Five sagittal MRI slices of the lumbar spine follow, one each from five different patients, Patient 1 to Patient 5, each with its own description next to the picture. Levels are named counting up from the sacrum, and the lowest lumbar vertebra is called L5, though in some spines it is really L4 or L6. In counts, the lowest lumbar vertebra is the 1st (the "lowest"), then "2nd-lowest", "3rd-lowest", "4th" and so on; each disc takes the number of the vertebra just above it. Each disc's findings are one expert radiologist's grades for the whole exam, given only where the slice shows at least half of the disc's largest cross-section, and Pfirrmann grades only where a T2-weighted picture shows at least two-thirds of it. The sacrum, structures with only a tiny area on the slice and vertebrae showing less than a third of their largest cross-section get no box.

Patient 1 of 5:
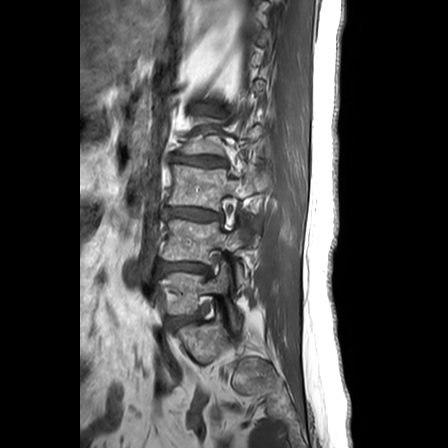 Lumbar spine MR, T1-weighted, sagittal
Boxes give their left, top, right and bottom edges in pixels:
* L1/L2: left=199, top=106, right=215, bottom=113
* L5/S1: left=169, top=312, right=200, bottom=328
* intervertebral disc L3/L4: left=166, top=207, right=222, bottom=221
* L4 vertebra: left=163, top=220, right=247, bottom=283
* intervertebral disc L4/L5: left=160, top=262, right=209, bottom=272
* intervertebral disc L2/L3: left=171, top=154, right=226, bottom=166
* L5: left=162, top=262, right=239, bottom=323
* L3: left=169, top=165, right=270, bottom=210

Per-level radiological findings:
- L4/L5: disc bulging, lower-endplate change, upper-endplate change, Modic type II
- L2/L3: lower-endplate change, upper-endplate change, Modic type II, disc narrowing, disc bulging
- L3/L4: disc narrowing, lower-endplate change, upper-endplate change, Modic type II, disc bulging

Patient 2 of 5:
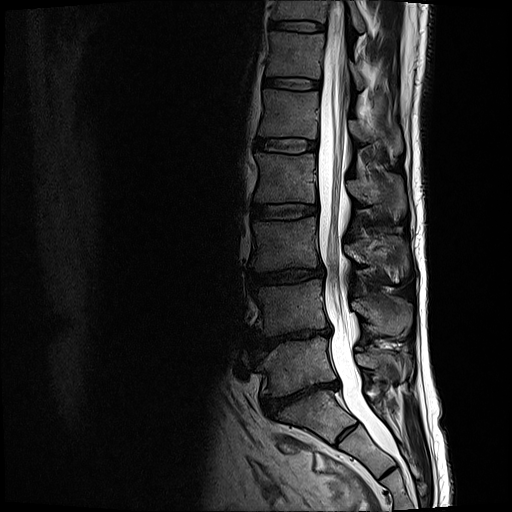 Slice 9 of 17. MRI lumbar spine (T2-weighted), sagittal plane.
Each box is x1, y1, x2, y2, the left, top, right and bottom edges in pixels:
IVD L2/L3 at 252, 204, 317, 218.
T12 at 266, 32, 364, 88.
IVD T11/T12 at 267, 20, 325, 32.
Thecal sac / spinal canal at 318, 1, 397, 454.
L3 vertebra at 252, 217, 409, 274.
L5 at 258, 337, 409, 396.
L1 at 258, 88, 403, 152.
IVD L5/S1 at 261, 380, 339, 416.
L2 vertebra at 254, 152, 405, 218.
L1/L2 at 256, 138, 316, 152.
L4 vertebra at 254, 279, 411, 336.
L3/L4 at 249, 267, 323, 282.
T11 vertebra at 272, 0, 367, 34.
IVD T12/L1 at 264, 77, 319, 89.
L4/L5 at 254, 327, 329, 352.

Expert MSK radiologist gradings (per disc):
• L2/L3: Pfirrmann grade 2
• T11/T12: Pfirrmann grade 2
• L3/L4: Pfirrmann grade 3, disc bulging, disc narrowing
• L5/S1: Pfirrmann grade 5, spondylolisthesis, disc bulging, disc narrowing, lower-endplate change
• L1/L2: Pfirrmann grade 2
• L4/L5: Pfirrmann grade 5, Modic type II, disc bulging, lower-endplate change, disc narrowing
• T12/L1: Pfirrmann grade 2

Patient 3 of 5:
Slice spacing 3.3 mm | T2-weighted sagittal MRI of the lumbar spine | Image 512x512 | Sagittal slice index 10
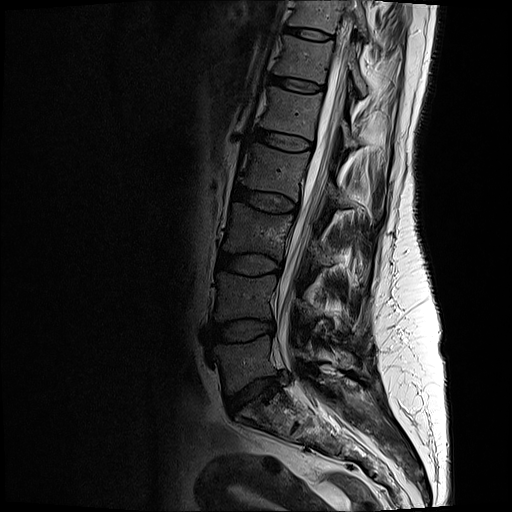 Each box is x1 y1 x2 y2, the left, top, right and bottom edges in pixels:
Segmented structures:
* 7th disc: 284 26 333 39
* 2nd-lowest vertebra: 214 272 345 327
* 3rd-lowest vertebra: 223 203 329 266
* 5th vertebra: 261 86 356 149
* 6th disc: 270 75 322 90
* lowest vertebra: 214 336 353 393
* 4th vertebra: 238 143 343 205
* 2nd-lowest disc: 213 320 275 341
* 4th disc: 234 186 298 211
* 5th disc: 252 128 313 149
* 6th vertebra: 274 35 365 94
* 3rd-lowest disc: 218 252 281 274
* 7th vertebra: 287 0 369 41
* spinal canal: 277 48 346 400
* lowest disc: 229 378 280 413

Per-level radiological findings:
- 7th disc: Pfirrmann grade 2
- 3rd-lowest disc: Pfirrmann grade 3
- lowest disc: Pfirrmann grade 3, lower-endplate change, disc herniation, disc narrowing, upper-endplate change
- 4th disc: Pfirrmann grade 3, disc bulging
- 5th disc: Pfirrmann grade 2
- 2nd-lowest disc: Pfirrmann grade 3, disc bulging
- 6th disc: Pfirrmann grade 2

Patient 4 of 5:
T2-weighted sagittal MRI of the lumbar spine. Sex F. 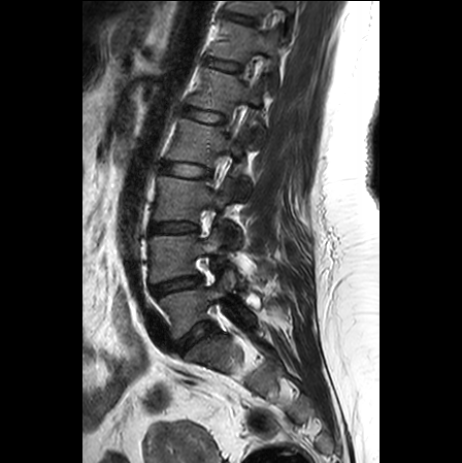 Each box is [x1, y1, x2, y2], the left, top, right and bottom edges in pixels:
L1/L2: [183, 107, 224, 123].
L2/L3: [162, 161, 210, 177].
Disc T12/L1: [206, 58, 241, 71].
L2: [166, 118, 250, 200].
L1: [190, 68, 266, 147].
Disc T11/T12: [228, 14, 256, 23].
Disc L5/S1: [177, 322, 215, 353].
T11 vertebra: [230, 1, 293, 33].
L4 vertebra: [150, 232, 236, 286].
L3: [154, 176, 241, 249].
L5: [159, 282, 257, 338].
L3/L4: [150, 223, 197, 233].
Disc L4/L5: [151, 275, 201, 296].
T12 vertebra: [210, 20, 277, 91].

Degenerative findings by level:
• L4/L5: Pfirrmann grade 3, disc bulging, disc narrowing
• L2/L3: Pfirrmann grade 1
• L1/L2: Pfirrmann grade 1
• T12/L1: Pfirrmann grade 1
• L5/S1: disc bulging, disc narrowing
• L3/L4: Pfirrmann grade 1

Patient 5 of 5:
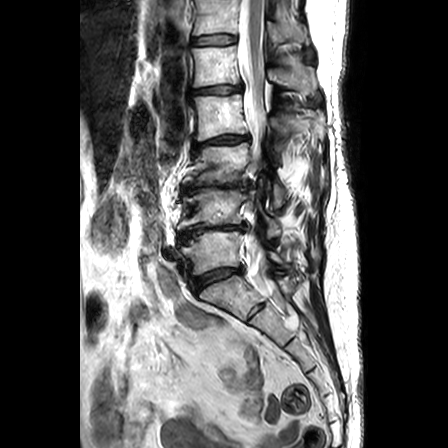
Field of view 280x280 mm; Slice 14 of 24; MRI lumbar spine (T2-weighted), sagittal plane; Image 448x448
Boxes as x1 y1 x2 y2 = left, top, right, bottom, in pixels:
IVD L5/S1 — 190 267 244 292 | IVD L3/L4 — 184 180 252 190 | L4 vertebra — 180 188 281 238 | IVD L1/L2 — 190 84 241 93 | L3 vertebra — 184 142 285 209 | IVD T12/L1 — 192 34 237 44 | T12 — 194 0 306 44 | L4/L5 — 178 223 246 241 | IVD L2/L3 — 191 132 250 155 | spinal canal — 239 0 281 300 | L2 — 189 94 324 150 | L5 vertebra — 180 230 290 275 | L1 — 192 45 293 86

Per-level radiological findings:
  L2/L3: Pfirrmann grade 3, disc bulging, disc narrowing, upper-endplate change, lower-endplate change
  L1/L2: Pfirrmann grade 2, disc bulging
  L4/L5: Pfirrmann grade 5, lower-endplate change, Modic type II, disc narrowing, disc bulging, upper-endplate change
  L5/S1: Pfirrmann grade 3, upper-endplate change, disc narrowing, disc bulging, lower-endplate change
  T12/L1: Pfirrmann grade 1
  L3/L4: upper-endplate change, disc narrowing, Modic type II, disc bulging, lower-endplate change